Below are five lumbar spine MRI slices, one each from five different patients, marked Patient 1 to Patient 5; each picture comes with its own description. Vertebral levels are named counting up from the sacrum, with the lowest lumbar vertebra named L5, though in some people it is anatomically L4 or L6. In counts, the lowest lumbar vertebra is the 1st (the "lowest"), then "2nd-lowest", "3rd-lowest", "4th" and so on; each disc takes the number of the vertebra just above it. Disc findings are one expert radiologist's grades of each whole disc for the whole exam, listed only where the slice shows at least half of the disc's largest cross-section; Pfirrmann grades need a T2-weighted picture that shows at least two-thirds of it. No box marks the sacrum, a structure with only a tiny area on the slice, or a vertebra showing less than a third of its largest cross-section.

Patient 1 of 5:
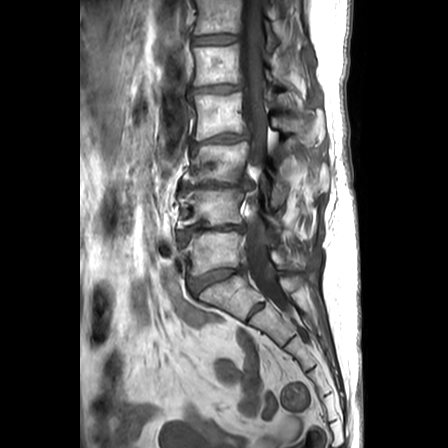

MRI lumbar spine (T1-weighted), sagittal plane.

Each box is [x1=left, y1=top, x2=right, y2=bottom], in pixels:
T12/L1 at [x1=193, y1=34, x2=237, y2=43], L1 at [x1=193, y1=43, x2=289, y2=91], L2 vertebra at [x1=192, y1=92, x2=324, y2=145], IVD L2/L3 at [x1=190, y1=131, x2=248, y2=154], L5 at [x1=182, y1=231, x2=305, y2=276], IVD L5/S1 at [x1=188, y1=266, x2=245, y2=295], spinal canal at [x1=240, y1=0, x2=288, y2=309], L3 vertebra at [x1=183, y1=141, x2=286, y2=209], L4 at [x1=178, y1=187, x2=281, y2=229], L1/L2 at [x1=190, y1=83, x2=243, y2=94], IVD L4/L5 at [x1=178, y1=223, x2=245, y2=243], T12 vertebra at [x1=195, y1=0, x2=277, y2=50], L3/L4 at [x1=180, y1=180, x2=255, y2=190].

Expert MSK radiologist gradings (per disc):
  L3/L4: upper-endplate change, Modic type II, lower-endplate change, disc narrowing, disc bulging
  L1/L2: disc bulging
  L5/S1: upper-endplate change, disc narrowing, disc bulging, lower-endplate change
  L2/L3: disc narrowing, lower-endplate change, disc bulging, upper-endplate change
  L4/L5: disc narrowing, Modic type II, disc bulging, upper-endplate change, lower-endplate change
  T12/L1: no spondylolisthesis, narrowing, bulging, herniation, Modic or endplate change recorded

Patient 2 of 5:
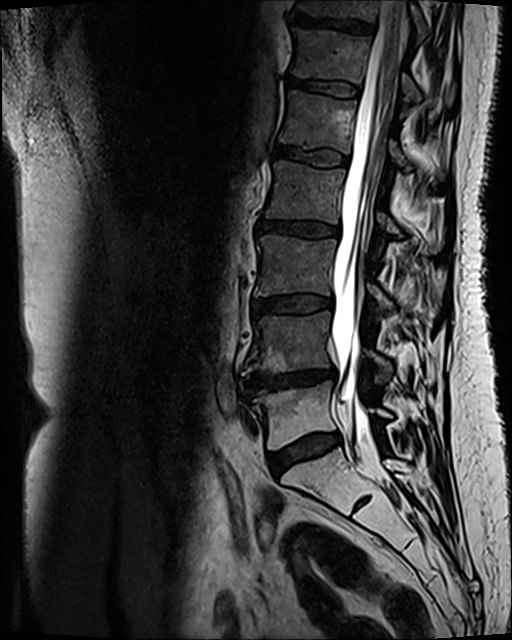 MRI lumbar spine (T2 SPACE (3D)), sagittal plane; Sex F; Image 512x640
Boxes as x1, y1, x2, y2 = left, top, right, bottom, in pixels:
L4 (2nd-lowest vertebra) — 242, 311, 389, 382.
IVD L2/L3 (4th disc) — 257, 221, 339, 236.
L1 (5th vertebra) — 280, 91, 442, 176.
L5 (lowest vertebra) — 250, 381, 391, 449.
L1/L2 (5th disc) — 273, 146, 347, 167.
L3/L4 (3rd-lowest disc) — 253, 296, 331, 313.
L4/L5 (2nd-lowest disc) — 241, 369, 334, 393.
T11 (7th vertebra) — 296, 0, 427, 40.
T11/T12 (7th disc) — 291, 14, 373, 31.
L3 (3rd-lowest vertebra) — 254, 235, 438, 312.
Spinal canal — 333, 1, 407, 441.
T12 (6th vertebra) — 292, 27, 453, 104.
L2 (4th vertebra) — 266, 161, 440, 253.
IVD T12/L1 (6th disc) — 287, 77, 360, 98.
IVD L5/S1 (lowest disc) — 269, 433, 339, 476.

Expert MSK radiologist gradings (per disc):
- L3/L4 (3rd-lowest disc): Pfirrmann grade 3, Modic type II, disc bulging
- T12/L1 (6th disc): Pfirrmann grade 3, Modic type II
- L2/L3 (4th disc): Pfirrmann grade 3, disc bulging, Modic type II
- L5/S1 (lowest disc): Pfirrmann grade 3, disc bulging, Modic type II
- T11/T12 (7th disc): Pfirrmann grade 4, Modic type II, upper-endplate change, lower-endplate change
- L1/L2 (5th disc): Pfirrmann grade 3, Modic type II
- L4/L5 (2nd-lowest disc): Pfirrmann grade 4, disc bulging, Modic type II, upper-endplate change, disc narrowing, lower-endplate change

Patient 3 of 5:
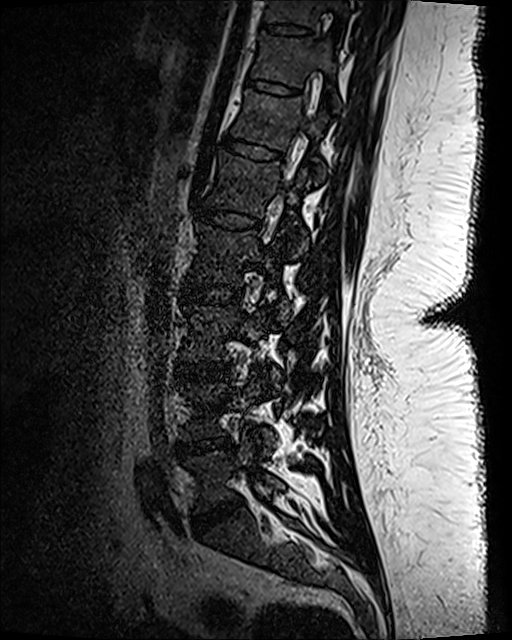 MRI lumbar spine (T2 SPACE (3D)), sagittal plane | Field of view 240x300 mm, slice spacing 0.9 mm | Slice 72 of 120

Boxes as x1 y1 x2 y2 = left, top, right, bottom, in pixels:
IVD T12/L1 — 220 135 282 160.
L3 — 180 305 281 388.
L5/S1 — 193 498 241 531.
L4 — 182 381 274 455.
L2 — 190 224 290 323.
T10/T11 — 265 24 310 36.
IVD L3/L4 — 176 362 228 382.
L1 vertebra — 207 151 309 258.
T12 vertebra — 232 90 326 180.
T11/T12 — 246 78 301 95.
L2/L3 — 180 283 242 305.
L5 vertebra — 188 434 284 511.
T10 — 265 0 350 27.
L4/L5 — 178 437 230 455.
T11 — 253 33 334 85.
IVD L1/L2 — 192 208 261 230.

Per-level radiological findings:
  L1/L2: Pfirrmann grade 1
  T10/T11: Pfirrmann grade 1
  L5/S1: disc bulging, disc narrowing
  L2/L3: Pfirrmann grade 1
  T12/L1: Pfirrmann grade 1
  T11/T12: Pfirrmann grade 1
  L3/L4: no Modic or endplate change, herniation, narrowing, bulging or spondylolisthesis recorded

Patient 4 of 5:
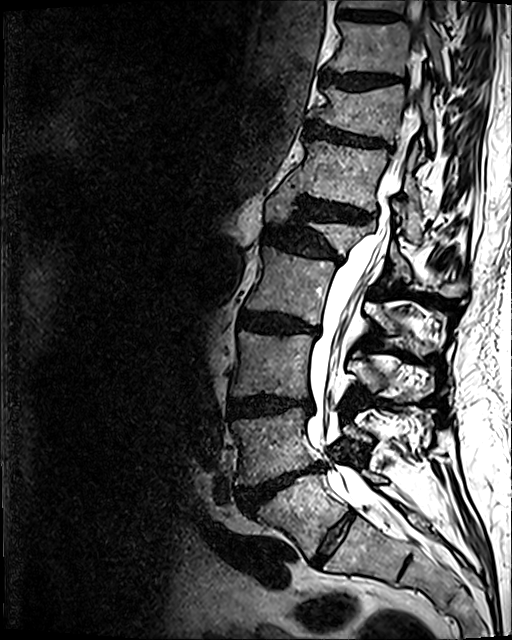
T2 SPACE (3D) sagittal MRI of the lumbar spine

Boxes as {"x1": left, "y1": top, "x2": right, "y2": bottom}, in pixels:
L2 vertebra: {"x1": 246, "y1": 247, "x2": 417, "y2": 334}.
L5 vertebra: {"x1": 260, "y1": 471, "x2": 386, "y2": 557}.
L4: {"x1": 232, "y1": 408, "x2": 371, "y2": 485}.
T10 vertebra: {"x1": 329, "y1": 16, "x2": 444, "y2": 86}.
L1 vertebra: {"x1": 265, "y1": 185, "x2": 462, "y2": 296}.
L3 vertebra: {"x1": 230, "y1": 332, "x2": 418, "y2": 398}.
IVD L1/L2: {"x1": 264, "y1": 226, "x2": 342, "y2": 261}.
L4/L5: {"x1": 241, "y1": 463, "x2": 323, "y2": 511}.
L5/S1: {"x1": 311, "y1": 511, "x2": 355, "y2": 565}.
Spinal canal: {"x1": 307, "y1": 34, "x2": 438, "y2": 550}.
IVD T9/T10: {"x1": 339, "y1": 9, "x2": 397, "y2": 21}.
T12: {"x1": 287, "y1": 139, "x2": 427, "y2": 241}.
T11 vertebra: {"x1": 307, "y1": 84, "x2": 435, "y2": 150}.
T12/L1: {"x1": 296, "y1": 197, "x2": 371, "y2": 220}.
L2/L3: {"x1": 239, "y1": 311, "x2": 318, "y2": 334}.
T10/T11: {"x1": 321, "y1": 71, "x2": 400, "y2": 89}.
L3/L4: {"x1": 229, "y1": 396, "x2": 313, "y2": 417}.
IVD T11/T12: {"x1": 306, "y1": 123, "x2": 387, "y2": 146}.

Expert MSK radiologist gradings (per disc):
- L4/L5: Pfirrmann grade 5, disc bulging, upper-endplate change, lower-endplate change, Modic type II, disc herniation, disc narrowing
- T12/L1: Pfirrmann grade 4, disc narrowing, disc bulging, lower-endplate change, upper-endplate change
- L3/L4: Pfirrmann grade 4, disc bulging, upper-endplate change, disc narrowing, lower-endplate change
- L1/L2: Pfirrmann grade 4, upper-endplate change, disc bulging, disc narrowing, lower-endplate change
- T9/T10: Pfirrmann grade 3, lower-endplate change
- L5/S1: Pfirrmann grade 2
- T10/T11: Pfirrmann grade 4, upper-endplate change, disc bulging, lower-endplate change
- T11/T12: Pfirrmann grade 4, upper-endplate change, disc narrowing, disc bulging, lower-endplate change
- L2/L3: Pfirrmann grade 4, upper-endplate change, Modic type II, disc bulging, lower-endplate change, disc narrowing

Patient 5 of 5:
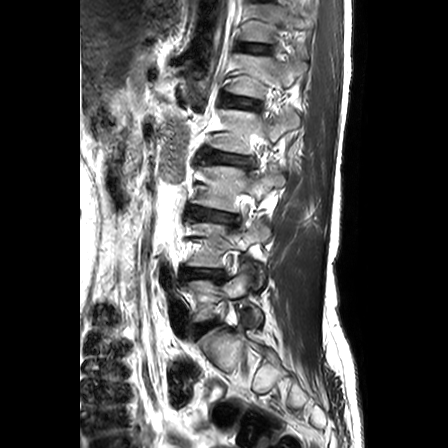 T2-weighted sagittal MRI of the lumbar spine
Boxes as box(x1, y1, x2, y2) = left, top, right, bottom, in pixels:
Annotations:
* L3/L4 at box(191, 209, 237, 224)
* L3 vertebra at box(192, 166, 284, 211)
* intervertebral disc L2/L3 at box(204, 152, 250, 165)
* L5 at box(186, 262, 262, 327)
* intervertebral disc L5/S1 at box(196, 322, 213, 335)
* intervertebral disc L4/L5 at box(183, 269, 224, 277)
* L1 at box(228, 54, 306, 98)
* T12 at box(242, 4, 314, 42)
* L1/L2 at box(225, 96, 255, 106)
* T12/L1 at box(240, 44, 268, 51)
* L4 vertebra at box(187, 223, 270, 290)
* L2 at box(211, 109, 299, 155)

Expert MSK radiologist gradings (per disc):
• L2/L3: upper-endplate change, disc bulging, Modic type II, lower-endplate change
• L3/L4: lower-endplate change, disc bulging, upper-endplate change